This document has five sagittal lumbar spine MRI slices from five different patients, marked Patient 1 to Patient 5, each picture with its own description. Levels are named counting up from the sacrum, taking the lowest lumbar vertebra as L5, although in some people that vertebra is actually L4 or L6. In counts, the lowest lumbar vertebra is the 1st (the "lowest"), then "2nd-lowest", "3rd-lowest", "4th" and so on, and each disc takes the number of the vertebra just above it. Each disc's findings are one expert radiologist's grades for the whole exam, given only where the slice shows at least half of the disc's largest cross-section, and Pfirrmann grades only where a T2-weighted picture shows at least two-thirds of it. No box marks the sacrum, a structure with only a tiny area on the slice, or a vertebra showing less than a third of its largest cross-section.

Patient 1 of 5:
Sex F; Field of view 240x304 mm, slice spacing 0.9 mm; Lumbar spine MR, T2 SPACE (3D), sagittal
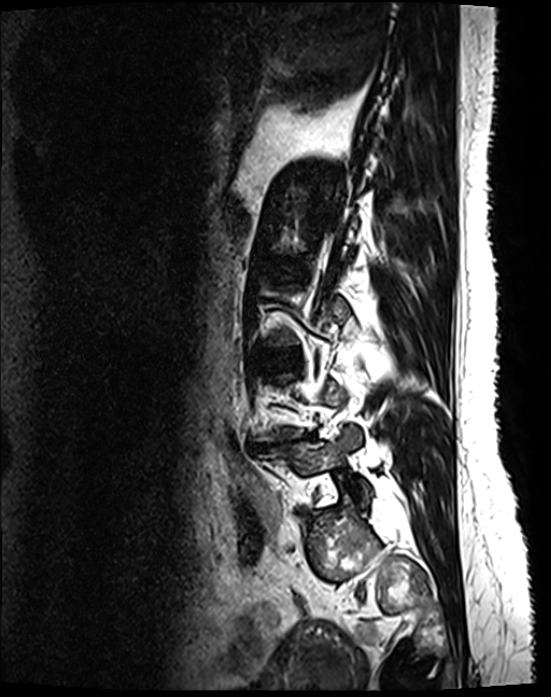
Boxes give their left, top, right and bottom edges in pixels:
L5 vertebra = left=261, top=427, right=369, bottom=505 | IVD L4/L5 = left=253, top=435, right=312, bottom=450

Patient 2 of 5:
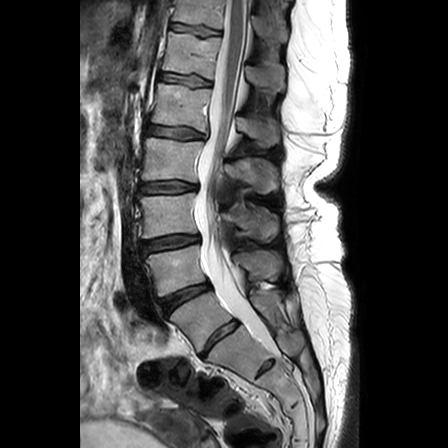 448x448 px, Sagittal T2-weighted lumbar spine MRI, Patient sex: F

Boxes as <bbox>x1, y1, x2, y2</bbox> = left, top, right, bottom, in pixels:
3rd-lowest vertebra = <bbox>140, 193, 278, 240</bbox>.
2nd-lowest vertebra = <bbox>146, 245, 281, 296</bbox>.
2nd-lowest disc = <bbox>162, 283, 209, 312</bbox>.
6th vertebra = <bbox>162, 32, 285, 93</bbox>.
6th disc = <bbox>159, 73, 210, 85</bbox>.
3rd-lowest disc = <bbox>142, 235, 199, 251</bbox>.
5th disc = <bbox>147, 125, 203, 138</bbox>.
Lowest vertebra = <bbox>170, 291, 280, 351</bbox>.
Lowest disc = <bbox>201, 321, 237, 357</bbox>.
7th disc = <bbox>171, 24, 220, 36</bbox>.
4th disc = <bbox>140, 181, 196, 192</bbox>.
4th vertebra = <bbox>142, 138, 278, 193</bbox>.
Thecal sac / spinal canal = <bbox>195, 0, 268, 344</bbox>.
7th vertebra = <bbox>173, 0, 287, 42</bbox>.
5th vertebra = <bbox>151, 83, 280, 146</bbox>.

Radiological gradings:
- 4th disc: Pfirrmann grade 3, lower-endplate change, disc bulging, upper-endplate change
- lowest disc: Pfirrmann grade 3
- 5th disc: Pfirrmann grade 3, upper-endplate change, lower-endplate change, disc bulging
- 2nd-lowest disc: Pfirrmann grade 4, disc narrowing, disc bulging
- 7th disc: Pfirrmann grade 2, upper-endplate change, lower-endplate change
- 6th disc: Pfirrmann grade 2, upper-endplate change, lower-endplate change
- 3rd-lowest disc: Pfirrmann grade 3, disc bulging, upper-endplate change, lower-endplate change

Patient 3 of 5:
Sagittal T1-weighted lumbar spine MRI, Image 448x448, Field of view 280x280 mm, slice spacing 3.3 mm, Sex M 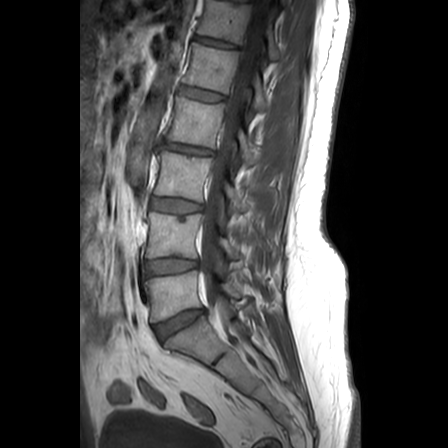

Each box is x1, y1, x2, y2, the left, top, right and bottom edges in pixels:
L3/L4 — 152, 198, 201, 213.
L2 — 166, 98, 256, 166.
L5 vertebra — 144, 270, 242, 322.
L1 — 183, 43, 268, 110.
Thecal sac / spinal canal — 201, 1, 266, 328.
L1/L2 — 180, 86, 226, 101.
T12/L1 — 195, 35, 238, 48.
L4/L5 — 147, 258, 197, 275.
IVD L5/S1 — 154, 310, 204, 340.
L4 vertebra — 146, 212, 239, 258.
T12 vertebra — 198, 0, 281, 61.
L3 — 154, 151, 244, 215.
L2/L3 — 162, 142, 213, 155.

Per-level radiological findings:
• L4/L5: lower-endplate change
• L2/L3: upper-endplate change, disc bulging, lower-endplate change, disc narrowing
• T12/L1: upper-endplate change, lower-endplate change
• L5/S1: disc herniation
• L3/L4: upper-endplate change
• L1/L2: no herniation, bulging, narrowing, spondylolisthesis, endplate or Modic change recorded

Patient 4 of 5:
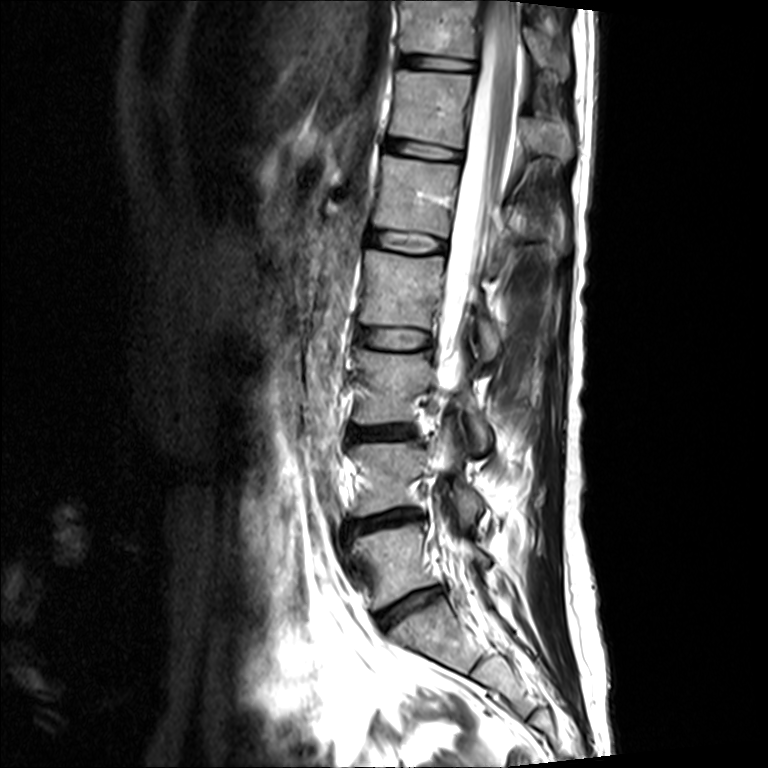 Sagittal T2-weighted lumbar spine MRI

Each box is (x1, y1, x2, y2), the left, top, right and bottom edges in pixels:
Segmented structures:
• T11 (7th vertebra) — (400, 0, 568, 80)
• L1 (5th vertebra) — (374, 153, 567, 251)
• T11/T12 (7th disc) — (399, 53, 476, 74)
• L5/S1 (lowest disc) — (377, 588, 442, 629)
• spinal canal — (438, 0, 523, 573)
• L3 (3rd-lowest vertebra) — (354, 348, 492, 449)
• L1/L2 (5th disc) — (372, 231, 445, 252)
• disc L4/L5 (2nd-lowest disc) — (348, 509, 420, 533)
• L5 (lowest vertebra) — (351, 523, 490, 608)
• disc L3/L4 (3rd-lowest disc) — (349, 425, 414, 440)
• T12 (6th vertebra) — (390, 69, 572, 161)
• T12/L1 (6th disc) — (385, 137, 462, 161)
• L4 (2nd-lowest vertebra) — (351, 436, 484, 520)
• disc L2/L3 (4th disc) — (358, 328, 430, 349)
• L2 (4th vertebra) — (361, 249, 500, 359)

Expert MSK radiologist gradings (per disc):
• L5/S1 (lowest disc): Pfirrmann grade 4, disc bulging, disc narrowing
• T12/L1 (6th disc): Pfirrmann grade 2
• L3/L4 (3rd-lowest disc): disc narrowing, disc bulging
• L4/L5 (2nd-lowest disc): disc narrowing, disc bulging
• L2/L3 (4th disc): Pfirrmann grade 2, Modic type II
• T11/T12 (7th disc): Pfirrmann grade 2
• L1/L2 (5th disc): Pfirrmann grade 2

Patient 5 of 5:
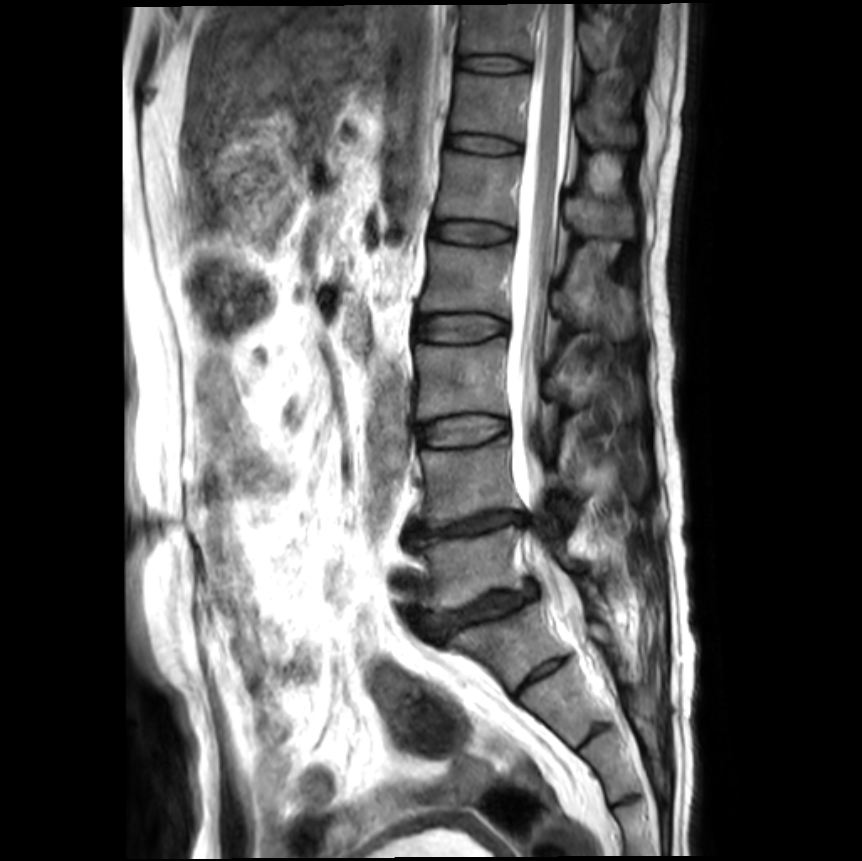
MRI lumbar spine (T2-weighted), sagittal plane

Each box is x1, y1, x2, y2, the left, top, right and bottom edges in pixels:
4th disc at 417, 313, 506, 342; 5th vertebra at 437, 151, 636, 237; 5th disc at 432, 221, 511, 242; 3rd-lowest vertebra at 415, 338, 642, 419; lowest disc at 415, 585, 536, 641; spinal canal at 506, 3, 612, 693; 2nd-lowest disc at 406, 510, 526, 539; 2nd-lowest vertebra at 417, 437, 637, 526; 6th vertebra at 452, 72, 637, 145; 3rd-lowest disc at 417, 413, 506, 446; 7th disc at 459, 55, 528, 71; 4th vertebra at 418, 241, 637, 339; lowest vertebra at 413, 525, 578, 610; 7th vertebra at 460, 4, 620, 68; 6th disc at 448, 134, 518, 152.

Degenerative findings by level:
  7th disc: Pfirrmann grade 1
  3rd-lowest disc: Pfirrmann grade 1
  lowest disc: Pfirrmann grade 4, disc bulging, disc narrowing, spondylolisthesis, upper-endplate change, lower-endplate change
  5th disc: Pfirrmann grade 1
  4th disc: Pfirrmann grade 1
  2nd-lowest disc: Pfirrmann grade 5, disc narrowing, disc bulging, upper-endplate change, lower-endplate change, Modic type II
  6th disc: Pfirrmann grade 1